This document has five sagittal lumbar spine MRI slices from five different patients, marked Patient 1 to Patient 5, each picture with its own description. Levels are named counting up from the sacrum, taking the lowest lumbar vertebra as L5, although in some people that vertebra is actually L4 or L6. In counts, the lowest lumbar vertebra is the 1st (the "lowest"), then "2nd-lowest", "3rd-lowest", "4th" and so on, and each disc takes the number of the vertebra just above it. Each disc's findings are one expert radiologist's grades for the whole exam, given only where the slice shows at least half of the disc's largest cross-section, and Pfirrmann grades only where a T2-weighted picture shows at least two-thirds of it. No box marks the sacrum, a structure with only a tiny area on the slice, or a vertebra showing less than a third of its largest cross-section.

Patient 1 of 5:
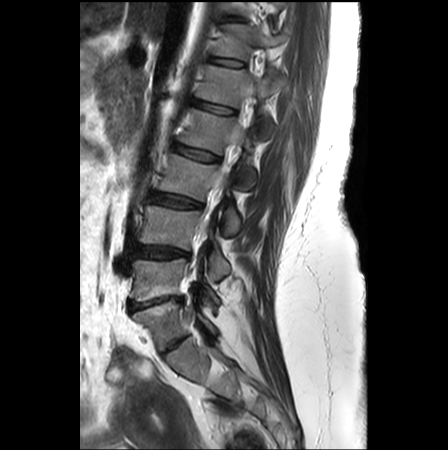 Lumbar spine MR, T2-weighted, sagittal.

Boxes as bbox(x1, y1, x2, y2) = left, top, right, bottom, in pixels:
6th vertebra: bbox(216, 25, 284, 59) | 3rd-lowest disc: bbox(150, 191, 201, 207) | 2nd-lowest vertebra: bbox(140, 205, 229, 279) | lowest vertebra: bbox(131, 259, 219, 303) | thecal sac / spinal canal: bbox(193, 130, 243, 277) | 5th disc: bbox(190, 100, 233, 114) | lowest disc: bbox(128, 296, 183, 311) | 4th disc: bbox(171, 142, 218, 160) | 6th disc: bbox(214, 59, 241, 67) | 3rd-lowest vertebra: bbox(158, 154, 240, 234) | 4th vertebra: bbox(179, 109, 255, 189) | 5th vertebra: bbox(196, 65, 283, 118) | 2nd-lowest disc: bbox(134, 244, 190, 258)

Degenerative findings by level:
- 3rd-lowest disc: Pfirrmann grade 3, Modic type II, disc bulging
- 4th disc: Pfirrmann grade 2, upper-endplate change, lower-endplate change
- 5th disc: Pfirrmann grade 2, lower-endplate change, upper-endplate change
- 2nd-lowest disc: Pfirrmann grade 4, disc herniation, disc bulging
- lowest disc: Pfirrmann grade 5, Modic type II, disc narrowing, spondylolisthesis, disc bulging
- 6th disc: no spondylolisthesis, narrowing, bulging, herniation, Modic or endplate change recorded

Patient 2 of 5:
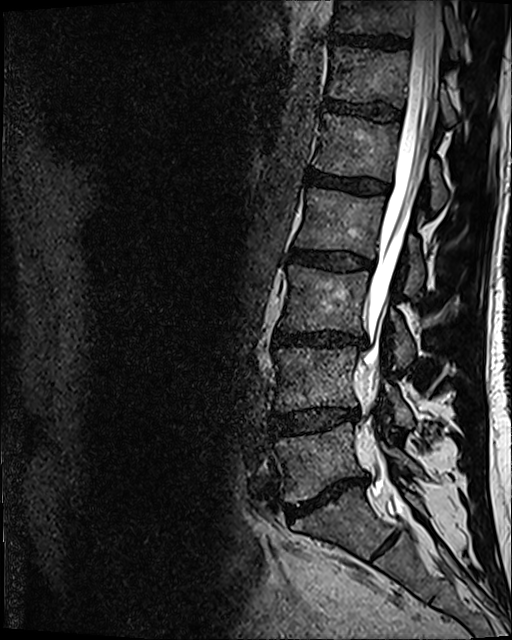

Lumbar spine MR, T2 SPACE (3D), sagittal. Image 512x640.
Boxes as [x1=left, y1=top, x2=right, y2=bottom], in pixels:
Disc T11/T12 (7th disc) = [x1=330, y1=34, x2=408, y2=50].
L2 (4th vertebra) = [x1=296, y1=188, x2=425, y2=295].
T12 (6th vertebra) = [x1=329, y1=46, x2=456, y2=124].
Disc L2/L3 (4th disc) = [x1=292, y1=249, x2=372, y2=271].
Thecal sac / spinal canal = [x1=364, y1=1, x2=441, y2=507].
L3 (3rd-lowest vertebra) = [x1=281, y1=265, x2=414, y2=368].
L5 (lowest vertebra) = [x1=275, y1=423, x2=422, y2=502].
L1 (5th vertebra) = [x1=314, y1=113, x2=446, y2=209].
T12/L1 (6th disc) = [x1=326, y1=101, x2=402, y2=120].
L4 (2nd-lowest vertebra) = [x1=274, y1=347, x2=413, y2=426].
L4/L5 (2nd-lowest disc) = [x1=273, y1=408, x2=359, y2=435].
T11 (7th vertebra) = [x1=332, y1=0, x2=459, y2=55].
Disc L5/S1 (lowest disc) = [x1=287, y1=476, x2=366, y2=519].
L3/L4 (3rd-lowest disc) = [x1=274, y1=331, x2=365, y2=346].
Disc L1/L2 (5th disc) = [x1=306, y1=170, x2=389, y2=194].

Degenerative findings by level:
  L5/S1 (lowest disc): Pfirrmann grade 5, disc bulging, Modic type II, disc narrowing
  L1/L2 (5th disc): Pfirrmann grade 4
  T12/L1 (6th disc): Pfirrmann grade 3
  L4/L5 (2nd-lowest disc): Pfirrmann grade 3, disc bulging, disc narrowing
  L2/L3 (4th disc): Pfirrmann grade 3, disc bulging
  T11/T12 (7th disc): Pfirrmann grade 4
  L3/L4 (3rd-lowest disc): Pfirrmann grade 4, disc narrowing, disc bulging, lower-endplate change

Patient 3 of 5:
MRI lumbar spine (T2 SPACE (3D)), sagittal plane; Sagittal slice index 89
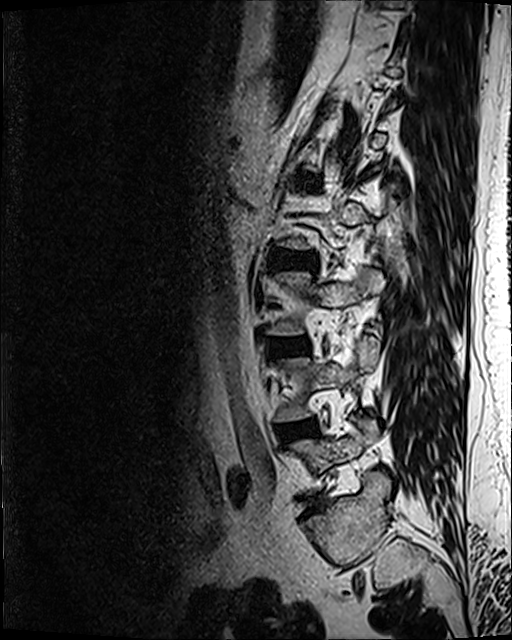

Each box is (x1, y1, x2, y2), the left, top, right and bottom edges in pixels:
disc L1/L2 (5th disc) — (298, 174, 317, 187) | disc L3/L4 (3rd-lowest disc) — (270, 340, 302, 353) | disc L2/L3 (4th disc) — (273, 251, 313, 270) | L4/L5 (2nd-lowest disc) — (280, 424, 310, 440) | L5 (lowest vertebra) — (294, 418, 378, 472) | L4 (2nd-lowest vertebra) — (276, 338, 379, 422)

Patient 4 of 5:
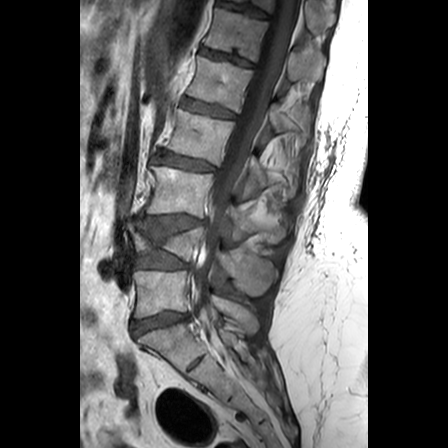 Field of view 280x280 mm. Image 448x448. T1-weighted sagittal MRI of the lumbar spine.
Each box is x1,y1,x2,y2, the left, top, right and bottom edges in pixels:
Segmented structures:
- 5th disc: 182,98,235,118
- lowest vertebra: 133,270,258,333
- 4th vertebra: 165,109,299,195
- 3rd-lowest vertebra: 146,165,287,242
- 7th disc: 218,0,269,19
- 5th vertebra: 188,56,310,144
- 3rd-lowest disc: 139,215,204,229
- 6th disc: 200,47,253,66
- 6th vertebra: 204,9,325,81
- 2nd-lowest vertebra: 129,221,276,294
- 2nd-lowest disc: 134,249,187,269
- 7th vertebra: 234,0,334,29
- 4th disc: 154,150,215,170
- thecal sac / spinal canal: 191,0,299,326
- lowest disc: 131,312,187,335

Degenerative findings by level:
- 3rd-lowest disc: lower-endplate change, upper-endplate change, disc bulging
- 7th disc: lower-endplate change
- 5th disc: upper-endplate change
- lowest disc: disc bulging
- 2nd-lowest disc: lower-endplate change, disc bulging
- 6th disc: lower-endplate change, upper-endplate change
- 4th disc: lower-endplate change, upper-endplate change

Patient 5 of 5:
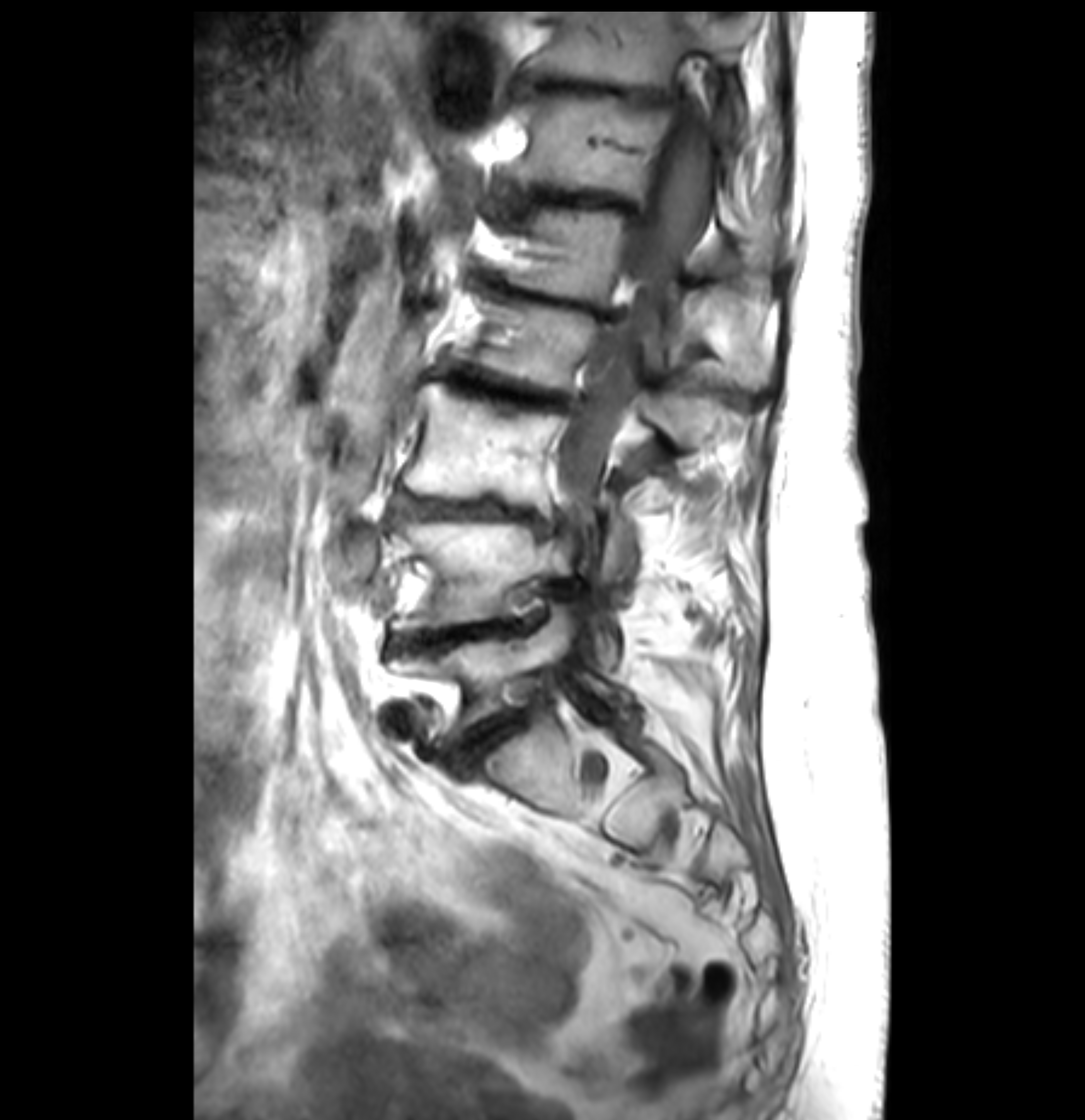 MRI lumbar spine (T1-weighted), sagittal plane | Sex F | Slice 23/41
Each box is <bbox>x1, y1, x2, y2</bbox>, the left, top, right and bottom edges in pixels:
T12/L1 at <bbox>526, 192, 646, 223</bbox>, L3 at <bbox>405, 383, 625, 575</bbox>, T11 at <bbox>526, 11, 755, 130</bbox>, L4 vertebra at <bbox>392, 520, 615, 659</bbox>, L5 at <bbox>400, 604, 612, 739</bbox>, L1 vertebra at <bbox>508, 208, 775, 387</bbox>, L3/L4 at <bbox>397, 495, 547, 526</bbox>, L5/S1 at <bbox>453, 690, 552, 765</bbox>, spinal canal at <bbox>557, 98, 717, 522</bbox>, L2/L3 at <bbox>443, 368, 578, 410</bbox>, L4/L5 at <bbox>392, 620, 530, 648</bbox>, L1/L2 at <bbox>497, 279, 625, 322</bbox>, intervertebral disc T11/T12 at <bbox>506, 78, 685, 107</bbox>, L2 at <bbox>472, 300, 726, 446</bbox>, T12 at <bbox>518, 94, 765, 241</bbox>.

Radiological gradings:
- L4/L5: disc narrowing, lower-endplate change, Modic type II, upper-endplate change, disc bulging
- L2/L3: disc bulging, upper-endplate change, lower-endplate change, Modic type II, disc narrowing
- L5/S1: disc bulging, disc narrowing, lower-endplate change, Modic type II, disc herniation, upper-endplate change
- L3/L4: disc bulging, upper-endplate change, lower-endplate change, disc narrowing, Modic type II
- T11/T12: disc bulging, disc narrowing, Modic type II, upper-endplate change, lower-endplate change